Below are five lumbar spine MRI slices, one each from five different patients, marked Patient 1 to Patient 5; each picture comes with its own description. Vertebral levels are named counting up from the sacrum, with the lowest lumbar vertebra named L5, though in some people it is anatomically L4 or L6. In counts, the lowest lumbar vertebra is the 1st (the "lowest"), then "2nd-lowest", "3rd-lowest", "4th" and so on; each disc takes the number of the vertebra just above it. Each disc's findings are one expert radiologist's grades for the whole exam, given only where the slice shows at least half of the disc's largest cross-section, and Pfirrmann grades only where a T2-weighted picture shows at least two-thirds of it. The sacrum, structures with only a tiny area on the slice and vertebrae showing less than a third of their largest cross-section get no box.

Patient 1 of 5:
Image 512x640. SIEMENS Avanto_fit (1.5T). Sagittal T2 SPACE (3D) lumbar spine MRI. 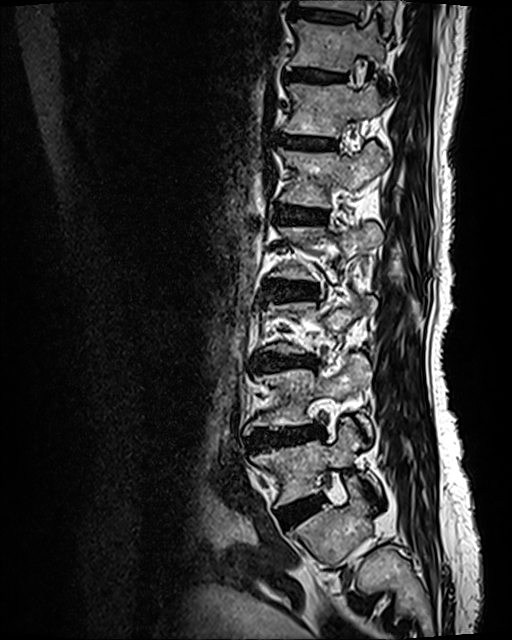 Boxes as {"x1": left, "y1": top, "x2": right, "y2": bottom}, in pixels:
Annotations:
* 5th disc at {"x1": 275, "y1": 205, "x2": 326, "y2": 223}
* 3rd-lowest disc at {"x1": 252, "y1": 352, "x2": 315, "y2": 369}
* lowest disc at {"x1": 288, "y1": 496, "x2": 322, "y2": 523}
* 2nd-lowest vertebra at {"x1": 244, "y1": 354, "x2": 372, "y2": 437}
* 6th vertebra at {"x1": 283, "y1": 80, "x2": 384, "y2": 137}
* lowest vertebra at {"x1": 251, "y1": 421, "x2": 381, "y2": 505}
* 2nd-lowest disc at {"x1": 249, "y1": 426, "x2": 323, "y2": 446}
* 8th disc at {"x1": 290, "y1": 9, "x2": 353, "y2": 21}
* 7th disc at {"x1": 285, "y1": 69, "x2": 341, "y2": 79}
* 4th vertebra at {"x1": 271, "y1": 222, "x2": 382, "y2": 278}
* 8th vertebra at {"x1": 299, "y1": 0, "x2": 394, "y2": 33}
* 6th disc at {"x1": 278, "y1": 134, "x2": 335, "y2": 149}
* 7th vertebra at {"x1": 289, "y1": 20, "x2": 384, "y2": 72}
* 5th vertebra at {"x1": 278, "y1": 141, "x2": 388, "y2": 208}
* 4th disc at {"x1": 267, "y1": 281, "x2": 316, "y2": 299}

Expert MSK radiologist gradings (per disc):
• 5th disc: lower-endplate change, upper-endplate change, Modic type II
• 7th disc: Modic type II, lower-endplate change, upper-endplate change
• 6th disc: Pfirrmann grade 2, lower-endplate change, Modic type II, upper-endplate change
• 3rd-lowest disc: disc bulging, lower-endplate change, disc narrowing, Modic type II, upper-endplate change
• 2nd-lowest disc: Pfirrmann grade 4, Modic type II, disc bulging, upper-endplate change, lower-endplate change, disc narrowing
• 4th disc: upper-endplate change, disc bulging, Modic type II, lower-endplate change
• 8th disc: Pfirrmann grade 2, upper-endplate change, lower-endplate change

Patient 2 of 5:
Slice 47 of 120, Field of view 240x300 mm, slice spacing 0.9 mm, Image 512x640, Lumbar spine MR, T2 SPACE (3D), sagittal, Sex F 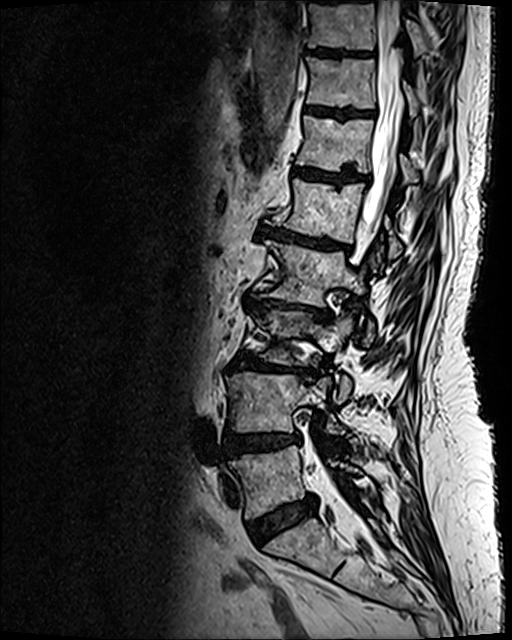 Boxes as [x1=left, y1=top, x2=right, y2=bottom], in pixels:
L4 — [x1=226, y1=372, x2=345, y2=434].
T11 vertebra — [x1=306, y1=58, x2=418, y2=116].
L1/L2 — [x1=260, y1=226, x2=349, y2=251].
L5/S1 — [x1=248, y1=495, x2=316, y2=543].
L5 — [x1=230, y1=445, x2=360, y2=518].
T12/L1 — [x1=293, y1=169, x2=368, y2=184].
L3 — [x1=256, y1=310, x2=352, y2=401].
IVD L4/L5 — [x1=224, y1=433, x2=299, y2=458].
T10 — [x1=308, y1=0, x2=459, y2=64].
L2 — [x1=266, y1=240, x2=374, y2=343].
L3/L4 — [x1=231, y1=352, x2=305, y2=376].
IVD T11/T12 — [x1=306, y1=107, x2=372, y2=118].
Thecal sac / spinal canal — [x1=363, y1=0, x2=400, y2=243].
T12 — [x1=296, y1=115, x2=418, y2=183].
IVD T10/T11 — [x1=308, y1=49, x2=352, y2=57].
L1 vertebra — [x1=274, y1=178, x2=402, y2=258].
L2/L3 — [x1=244, y1=295, x2=331, y2=321].

Degenerative findings by level:
- T11/T12: Pfirrmann grade 4, lower-endplate change, upper-endplate change
- L2/L3: Pfirrmann grade 5, lower-endplate change, upper-endplate change, disc bulging, disc narrowing, Modic type II
- L4/L5: Pfirrmann grade 4, upper-endplate change, disc bulging, lower-endplate change
- L1/L2: Pfirrmann grade 5, Modic type II, upper-endplate change, disc bulging, lower-endplate change, disc narrowing
- L5/S1: Pfirrmann grade 4, disc bulging
- T12/L1: Pfirrmann grade 4, Modic type II, upper-endplate change, lower-endplate change
- L3/L4: Modic type II, disc bulging, upper-endplate change, disc narrowing, lower-endplate change
- T10/T11: Pfirrmann grade 4, upper-endplate change, lower-endplate change

Patient 3 of 5:
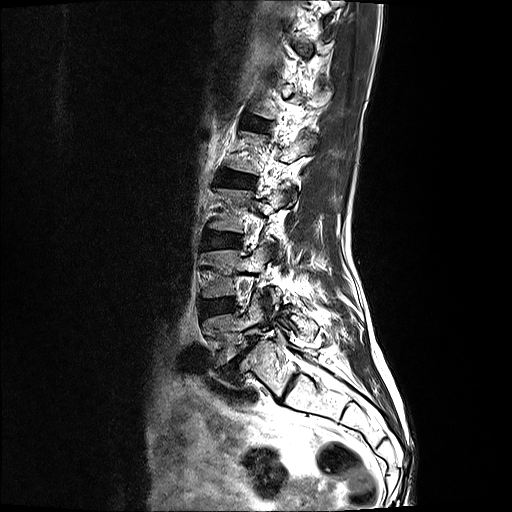

Image 512x512; Slice 14 of 17; T2-weighted sagittal MRI of the lumbar spine

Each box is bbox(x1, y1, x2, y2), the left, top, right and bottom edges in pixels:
L1/L2 — bbox(248, 120, 266, 125).
L5 — bbox(204, 289, 319, 366).
L3/L4 — bbox(205, 230, 242, 248).
L4 vertebra — bbox(203, 241, 282, 304).
Disc L4/L5 — bbox(200, 297, 237, 319).
L2 — bbox(231, 130, 316, 200).
Disc L2/L3 — bbox(220, 170, 255, 186).
Disc L5/S1 — bbox(218, 335, 259, 373).
L3 — bbox(210, 188, 294, 257).

Expert MSK radiologist gradings (per disc):
• L3/L4, L4/L5, L2/L3: no spondylolisthesis, narrowing, bulging, herniation, Modic or endplate change recorded

Patient 4 of 5:
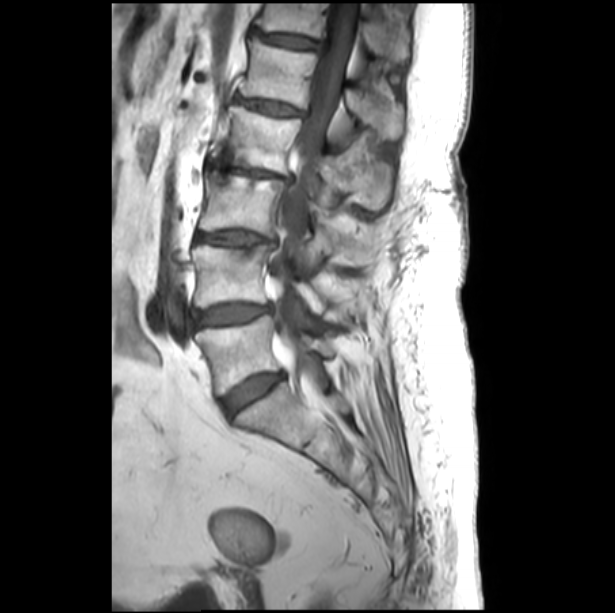
MRI lumbar spine (T1-weighted), sagittal plane. 615x613 px.

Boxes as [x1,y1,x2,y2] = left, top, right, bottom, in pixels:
Segmented structures:
• 3rd-lowest disc = [196,231,274,246]
• lowest disc = [222,373,282,415]
• 5th vertebra = [240,37,404,139]
• 2nd-lowest disc = [192,304,271,327]
• 5th disc = [237,99,301,114]
• 3rd-lowest vertebra = [199,170,371,266]
• 2nd-lowest vertebra = [192,244,357,320]
• spinal canal = [267,3,357,372]
• 6th disc = [253,30,320,49]
• 4th vertebra = [211,105,390,208]
• 6th vertebra = [256,3,409,61]
• lowest vertebra = [196,316,332,393]
• 4th disc = [206,160,291,183]

Radiological gradings:
• 6th disc: disc bulging, Modic type II, lower-endplate change, upper-endplate change
• 2nd-lowest disc: disc bulging
• 3rd-lowest disc: upper-endplate change, Modic type II, disc bulging, lower-endplate change, disc narrowing
• 5th disc: Modic type II, disc bulging, upper-endplate change, lower-endplate change
• lowest disc: disc bulging
• 4th disc: disc narrowing, lower-endplate change, disc bulging, Modic type II, upper-endplate change

Patient 5 of 5:
Field of view 281x281 mm; Lumbar spine MR, T1-weighted, sagittal

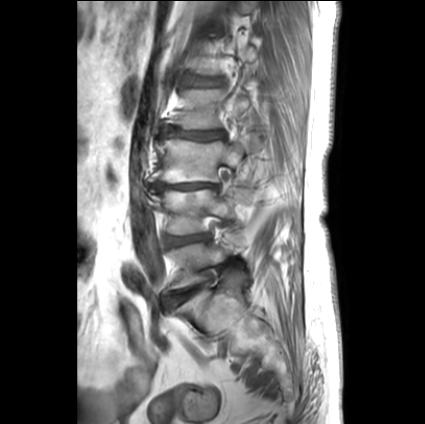

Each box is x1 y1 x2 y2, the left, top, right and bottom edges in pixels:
L2/L3 = 159 127 224 139.
Intervertebral disc L3/L4 = 153 182 218 190.
L5 vertebra = 168 243 226 289.
L4/L5 = 165 234 208 246.
L2 vertebra = 166 90 249 129.
L3 vertebra = 152 134 259 183.
L4 = 152 190 232 235.
L1/L2 = 184 75 221 87.
Intervertebral disc L5/S1 = 167 284 202 306.

Expert MSK radiologist gradings (per disc):
  L3/L4: disc bulging, Modic type II, lower-endplate change, disc narrowing, upper-endplate change
  L4/L5: disc bulging
  L1/L2: disc bulging, upper-endplate change, lower-endplate change
  L2/L3: upper-endplate change, disc bulging, lower-endplate change, disc narrowing